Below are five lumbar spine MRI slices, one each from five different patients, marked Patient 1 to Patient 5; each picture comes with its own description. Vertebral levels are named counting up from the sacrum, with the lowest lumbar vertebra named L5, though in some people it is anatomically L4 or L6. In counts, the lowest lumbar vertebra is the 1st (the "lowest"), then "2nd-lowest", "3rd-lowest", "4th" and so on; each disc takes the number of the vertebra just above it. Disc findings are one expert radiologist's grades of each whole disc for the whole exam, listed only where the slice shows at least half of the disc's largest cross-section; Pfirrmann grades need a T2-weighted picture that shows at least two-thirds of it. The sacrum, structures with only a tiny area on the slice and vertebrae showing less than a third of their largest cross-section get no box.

Patient 1 of 5:
T2 SPACE (3D) sagittal MRI of the lumbar spine | Sex F | Image 595x761
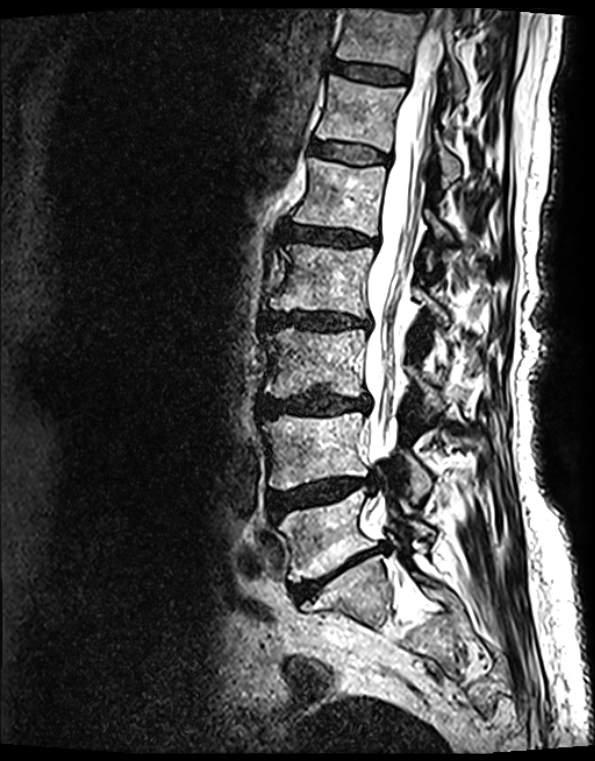 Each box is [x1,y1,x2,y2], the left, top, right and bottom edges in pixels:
Lowest vertebra — [278,489,431,581].
4th vertebra — [271,245,449,320].
5th vertebra — [293,159,452,236].
5th disc — [288,227,369,245].
6th vertebra — [315,77,461,181].
6th disc — [312,144,386,165].
2nd-lowest vertebra — [263,412,433,498].
3rd-lowest vertebra — [265,328,436,403].
7th vertebra — [336,10,466,105].
3rd-lowest disc — [264,391,368,415].
4th disc — [266,312,368,330].
2nd-lowest disc — [267,479,375,516].
Lowest disc — [293,547,381,600].
Spinal canal — [363,10,444,519].
7th disc — [334,63,406,85].

Radiological gradings:
  5th disc: Pfirrmann grade 4, lower-endplate change, Modic type II, disc bulging, disc narrowing, upper-endplate change
  lowest disc: disc bulging, Modic type II, disc narrowing, upper-endplate change, lower-endplate change
  4th disc: Pfirrmann grade 4, Modic type II, upper-endplate change, lower-endplate change, disc narrowing, disc bulging
  2nd-lowest disc: Pfirrmann grade 4, disc narrowing, upper-endplate change, Modic type II, disc herniation, lower-endplate change, disc bulging
  6th disc: Pfirrmann grade 2, upper-endplate change, Modic type II, lower-endplate change
  7th disc: Pfirrmann grade 2, upper-endplate change, Modic type II, lower-endplate change
  3rd-lowest disc: Pfirrmann grade 4, upper-endplate change, lower-endplate change, disc bulging, Modic type II, disc narrowing

Patient 2 of 5:
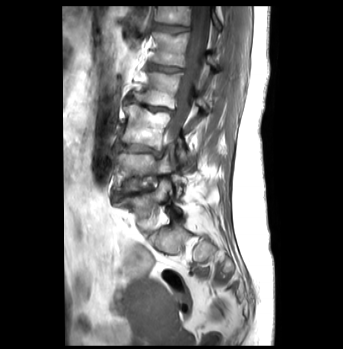 Patient sex: F | Sagittal T1-weighted lumbar spine MRI | Slice 19/43

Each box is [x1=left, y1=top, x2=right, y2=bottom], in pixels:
T12 (6th vertebra): [x1=156, y1=6, x2=221, y2=30].
L3 (3rd-lowest vertebra): [x1=120, y1=105, x2=190, y2=165].
L1/L2 (5th disc): [x1=148, y1=63, x2=183, y2=72].
L5 (lowest vertebra): [x1=117, y1=180, x2=182, y2=219].
Intervertebral disc L4/L5 (2nd-lowest disc): [x1=115, y1=186, x2=150, y2=198].
L2 (4th vertebra): [x1=135, y1=71, x2=209, y2=112].
L4 (2nd-lowest vertebra): [x1=117, y1=153, x2=182, y2=196].
L1 (5th vertebra): [x1=151, y1=31, x2=219, y2=69].
Intervertebral disc T12/L1 (6th disc): [x1=155, y1=22, x2=189, y2=32].
Intervertebral disc L3/L4 (3rd-lowest disc): [x1=113, y1=143, x2=162, y2=157].
Thecal sac / spinal canal: [x1=168, y1=6, x2=209, y2=143].
Intervertebral disc L2/L3 (4th disc): [x1=125, y1=95, x2=172, y2=112].

Per-level radiological findings:
- L3/L4 (3rd-lowest disc): Modic type II, disc bulging
- L2/L3 (4th disc): disc narrowing, lower-endplate change, Modic type II, disc bulging
- L1/L2 (5th disc): upper-endplate change
- T12/L1 (6th disc): upper-endplate change

Patient 3 of 5:
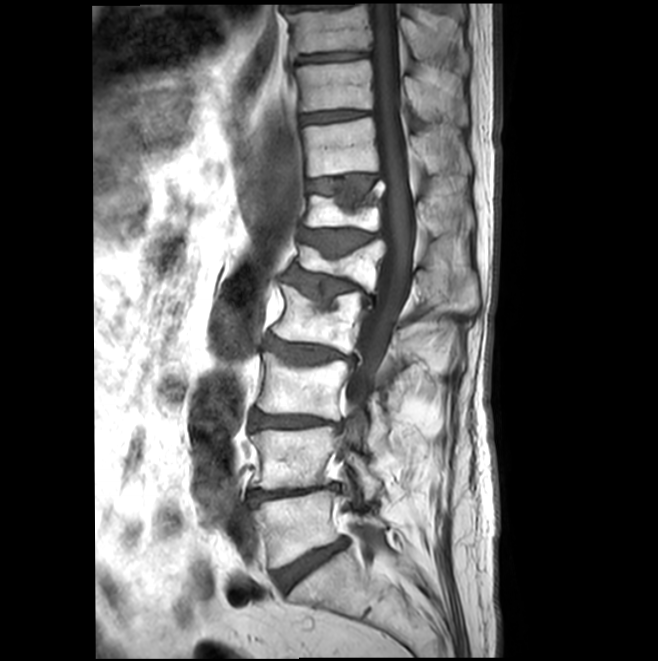

658x661 px | Lumbar spine MR, T1-weighted, sagittal
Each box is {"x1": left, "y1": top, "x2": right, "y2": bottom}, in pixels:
2nd-lowest disc: {"x1": 250, "y1": 484, "x2": 337, "y2": 504}.
Spinal canal: {"x1": 348, "y1": 4, "x2": 414, "y2": 553}.
2nd-lowest vertebra: {"x1": 251, "y1": 426, "x2": 382, "y2": 498}.
Lowest disc: {"x1": 274, "y1": 540, "x2": 345, "y2": 589}.
6th vertebra: {"x1": 305, "y1": 179, "x2": 455, "y2": 235}.
4th vertebra: {"x1": 271, "y1": 283, "x2": 454, "y2": 364}.
7th disc: {"x1": 309, "y1": 175, "x2": 377, "y2": 203}.
Lowest vertebra: {"x1": 254, "y1": 490, "x2": 385, "y2": 567}.
6th disc: {"x1": 301, "y1": 229, "x2": 378, "y2": 254}.
5th vertebra: {"x1": 295, "y1": 241, "x2": 477, "y2": 310}.
5th disc: {"x1": 286, "y1": 269, "x2": 374, "y2": 302}.
8th vertebra: {"x1": 296, "y1": 59, "x2": 467, "y2": 122}.
4th disc: {"x1": 265, "y1": 337, "x2": 351, "y2": 363}.
3rd-lowest vertebra: {"x1": 257, "y1": 352, "x2": 387, "y2": 447}.
9th disc: {"x1": 296, "y1": 51, "x2": 368, "y2": 62}.
7th vertebra: {"x1": 302, "y1": 117, "x2": 469, "y2": 176}.
3rd-lowest disc: {"x1": 252, "y1": 412, "x2": 338, "y2": 428}.
8th disc: {"x1": 301, "y1": 110, "x2": 368, "y2": 122}.
9th vertebra: {"x1": 285, "y1": 4, "x2": 447, "y2": 58}.

Expert MSK radiologist gradings (per disc):
• 3rd-lowest disc: Modic type II, upper-endplate change, disc bulging, lower-endplate change, disc narrowing
• lowest disc: disc narrowing, disc bulging, Modic type II
• 5th disc: upper-endplate change, Modic type II, disc bulging, spondylolisthesis, disc narrowing
• 6th disc: disc narrowing, upper-endplate change, Modic type II
• 4th disc: Modic type II, upper-endplate change, disc bulging, disc narrowing
• 7th disc: upper-endplate change, Modic type II
• 9th disc, 8th disc: no herniation, bulging, narrowing, spondylolisthesis, endplate or Modic change recorded

Patient 4 of 5:
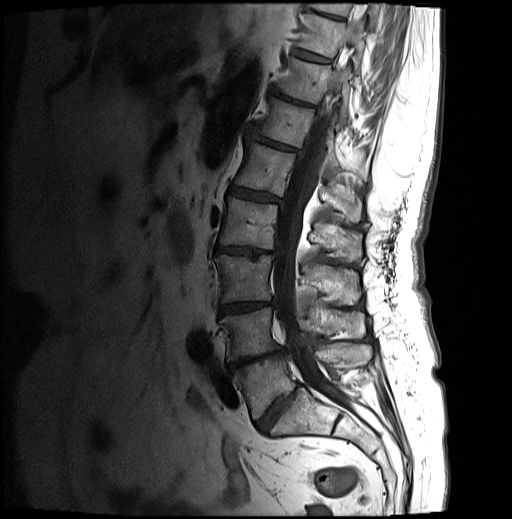
Image 512x519. Field of view 300x304 mm. Sagittal T1-weighted lumbar spine MRI. Slice 13/27.

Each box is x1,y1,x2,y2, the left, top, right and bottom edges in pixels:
T9/T10 — 308,6,343,19.
L5 vertebra — 233,344,372,419.
L4 — 220,308,365,361.
Spinal canal — 274,44,350,401.
L2/L3 — 217,246,274,256.
T11 — 277,57,352,121.
T10/T11 — 292,48,329,62.
Intervertebral disc L5/S1 — 256,383,299,431.
L3 vertebra — 215,255,360,304.
T12 vertebra — 257,98,368,180.
L1 — 235,143,363,222.
Intervertebral disc L3/L4 — 220,300,273,314.
L2 — 220,197,362,261.
Intervertebral disc L4/L5 — 228,348,285,371.
Intervertebral disc T12/L1 — 245,127,300,152.
L1/L2 — 229,187,281,203.
T10 — 295,12,366,65.
T9 — 310,3,380,27.
Intervertebral disc T11/T12 — 270,87,316,107.

Per-level radiological findings:
  L5/S1: disc bulging, disc narrowing
  L2/L3: lower-endplate change, Modic type II, disc bulging, disc narrowing, upper-endplate change
  L1/L2: disc narrowing, upper-endplate change, disc bulging, lower-endplate change, Modic type II
  L4/L5: upper-endplate change, disc narrowing, Modic type II, lower-endplate change, disc bulging
  T11/T12: upper-endplate change, lower-endplate change, disc bulging, Modic type II, disc narrowing
  L3/L4: disc bulging, disc narrowing, upper-endplate change, Modic type II, lower-endplate change
  T10/T11: upper-endplate change, Modic type II, lower-endplate change
  T12/L1: lower-endplate change, upper-endplate change, Modic type II, disc narrowing, disc bulging

Patient 5 of 5:
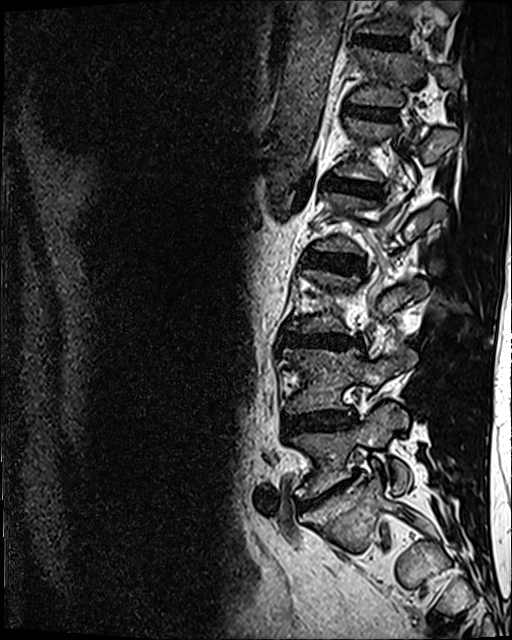 MRI lumbar spine (T2 SPACE (3D)), sagittal plane
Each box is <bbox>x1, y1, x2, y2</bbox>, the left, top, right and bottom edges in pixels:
IVD T12/L1 = <bbox>347, 106, 394, 119</bbox>.
T11/T12 = <bbox>354, 33, 404, 49</bbox>.
L2/L3 = <bbox>307, 254, 361, 271</bbox>.
IVD L3/L4 = <bbox>284, 334, 359, 348</bbox>.
IVD L1/L2 = <bbox>325, 176, 381, 197</bbox>.
T12 = <bbox>350, 47, 458, 106</bbox>.
L4 vertebra = <bbox>284, 348, 415, 413</bbox>.
IVD L5/S1 = <bbox>300, 483, 346, 507</bbox>.
L4/L5 = <bbox>285, 410, 355, 432</bbox>.
L5 = <bbox>293, 404, 410, 497</bbox>.

Per-level radiological findings:
- L2/L3: disc bulging
- L4/L5: Pfirrmann grade 3, disc bulging, disc narrowing
- L3/L4: Pfirrmann grade 4, lower-endplate change, disc bulging, disc narrowing
- T11/T12, L1/L2: no herniation, bulging, narrowing, spondylolisthesis, endplate or Modic change recorded